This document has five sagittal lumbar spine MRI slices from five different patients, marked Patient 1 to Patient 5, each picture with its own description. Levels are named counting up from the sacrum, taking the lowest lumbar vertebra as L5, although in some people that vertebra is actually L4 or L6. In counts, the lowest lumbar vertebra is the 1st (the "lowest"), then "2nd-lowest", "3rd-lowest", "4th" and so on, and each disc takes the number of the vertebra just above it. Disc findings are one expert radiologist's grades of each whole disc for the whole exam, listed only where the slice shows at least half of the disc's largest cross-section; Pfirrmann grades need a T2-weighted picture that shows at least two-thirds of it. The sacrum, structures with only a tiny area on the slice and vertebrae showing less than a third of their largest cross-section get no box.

Patient 1 of 5:
MRI lumbar spine (T2-weighted), sagittal plane 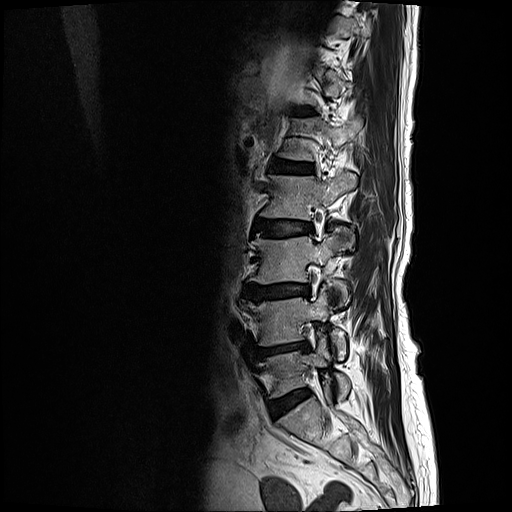 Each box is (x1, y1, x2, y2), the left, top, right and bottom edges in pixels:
L4 vertebra: (243, 286, 346, 360) | disc L1/L2: (274, 159, 313, 172) | T12/L1: (291, 108, 312, 114) | L5 vertebra: (257, 336, 350, 397) | L3: (248, 230, 350, 305) | L2 vertebra: (259, 172, 357, 220) | L5/S1: (270, 389, 310, 418) | L2/L3: (257, 218, 313, 236) | L1 vertebra: (279, 118, 362, 160) | disc L3/L4: (244, 284, 310, 299) | L4/L5: (249, 342, 310, 360)

Radiological gradings:
- L3/L4: Pfirrmann grade 4, upper-endplate change, lower-endplate change, disc narrowing, disc bulging, Modic type II
- L1/L2: Modic type II, lower-endplate change, upper-endplate change
- L4/L5: disc narrowing, upper-endplate change, lower-endplate change, disc bulging, Modic type II
- L5/S1: disc bulging
- L2/L3: Pfirrmann grade 3, lower-endplate change, upper-endplate change, Modic type II, disc bulging

Patient 2 of 5:
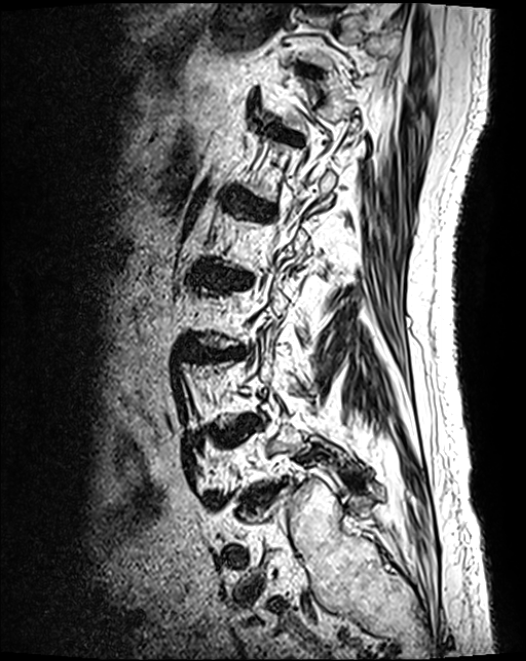
Image 526x661. Sex M. Slice 93/124. T2 SPACE (3D) sagittal MRI of the lumbar spine.

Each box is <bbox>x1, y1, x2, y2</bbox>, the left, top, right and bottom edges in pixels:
L4/L5 at <bbox>229, 423, 246, 434</bbox>, L3/L4 at <bbox>201, 349, 232, 359</bbox>, T12/L1 at <bbox>280, 133, 297, 140</bbox>.

Patient 3 of 5:
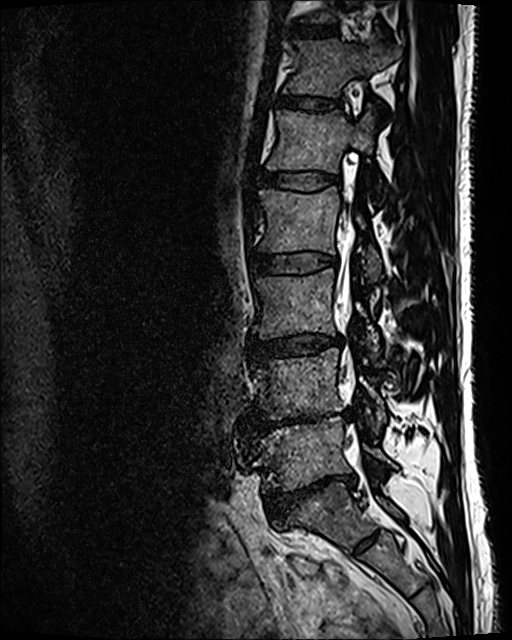 MRI lumbar spine (T2 SPACE (3D)), sagittal plane, Patient sex: M, Slice 72 of 120
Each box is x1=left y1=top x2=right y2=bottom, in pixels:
Structures:
- L4 vertebra = x1=253 y1=348 x2=386 y2=432
- L2/L3 = x1=252 y1=253 x2=336 y2=274
- disc T12/L1 = x1=279 y1=95 x2=340 y2=110
- L5/S1 = x1=266 y1=474 x2=355 y2=521
- L3 = x1=253 y1=269 x2=379 y2=351
- L5 = x1=260 y1=418 x2=395 y2=493
- T11/T12 = x1=294 y1=27 x2=339 y2=39
- L1 = x1=267 y1=110 x2=377 y2=173
- disc L3/L4 = x1=250 y1=335 x2=341 y2=359
- spinal canal = x1=336 y1=201 x2=353 y2=367
- disc L1/L2 = x1=260 y1=171 x2=339 y2=190
- disc L4/L5 = x1=251 y1=413 x2=332 y2=428
- L2 vertebra = x1=259 y1=187 x2=380 y2=280
- T12 = x1=284 y1=40 x2=397 y2=96

Expert MSK radiologist gradings (per disc):
- L1/L2: Pfirrmann grade 2
- T12/L1: Pfirrmann grade 2
- L3/L4: Pfirrmann grade 3, disc bulging, disc narrowing
- L2/L3: Pfirrmann grade 2
- L5/S1: Pfirrmann grade 5, spondylolisthesis, disc narrowing, lower-endplate change, disc bulging
- T11/T12: no herniation, bulging, narrowing, spondylolisthesis, endplate or Modic change recorded

Patient 4 of 5:
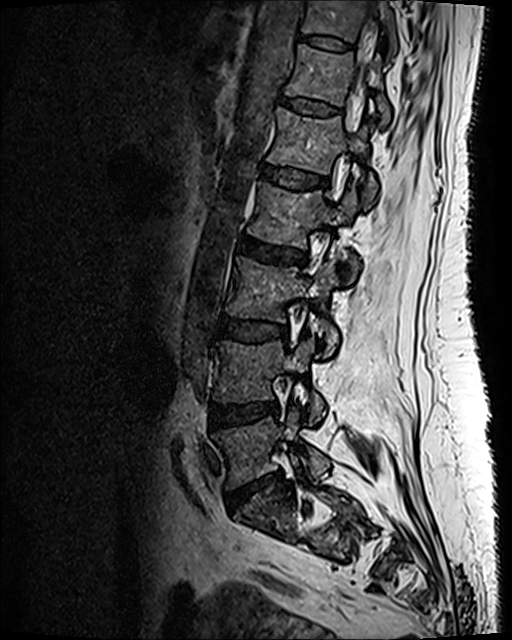 Slice 47/120; Patient sex: F; Lumbar spine MR, T2 SPACE (3D), sagittal
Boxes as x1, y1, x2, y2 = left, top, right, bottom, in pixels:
Structures:
- 5th disc: 260, 166, 328, 189
- 7th vertebra: 300, 0, 397, 60
- 2nd-lowest disc: 211, 401, 278, 427
- 5th vertebra: 267, 108, 377, 203
- 6th vertebra: 286, 44, 389, 126
- 3rd-lowest vertebra: 226, 257, 338, 354
- 4th vertebra: 247, 182, 359, 278
- 3rd-lowest disc: 220, 318, 285, 341
- 7th disc: 300, 35, 351, 52
- lowest vertebra: 212, 409, 329, 487
- 2nd-lowest vertebra: 214, 337, 323, 423
- 4th disc: 238, 236, 305, 264
- lowest disc: 227, 474, 278, 509
- 6th disc: 278, 96, 337, 115

Expert MSK radiologist gradings (per disc):
• 4th disc: Pfirrmann grade 3, disc bulging
• 2nd-lowest disc: disc bulging
• 5th disc: Pfirrmann grade 2
• 6th disc: Pfirrmann grade 2
• 7th disc: Pfirrmann grade 2
• 3rd-lowest disc: no spondylolisthesis, narrowing, bulging, herniation, Modic or endplate change recorded

Patient 5 of 5:
Patient sex: M, Scanner: SIEMENS Avanto_fit (1.5T), Image 512x640, Sagittal T2 SPACE (3D) lumbar spine MRI

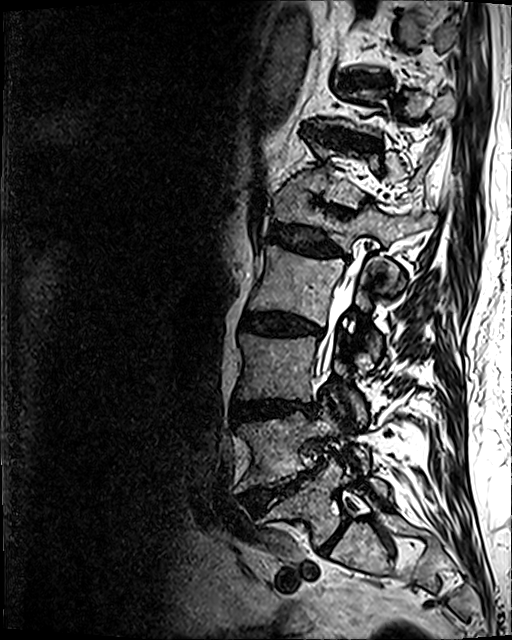
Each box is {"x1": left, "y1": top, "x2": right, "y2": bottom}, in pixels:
T12 vertebra = {"x1": 294, "y1": 139, "x2": 436, "y2": 208} | T12/L1 = {"x1": 316, "y1": 201, "x2": 351, "y2": 217} | intervertebral disc T10/T11 = {"x1": 343, "y1": 75, "x2": 390, "y2": 84} | L4/L5 = {"x1": 245, "y1": 469, "x2": 315, "y2": 513} | L3 vertebra = {"x1": 236, "y1": 333, "x2": 366, "y2": 424} | L4 vertebra = {"x1": 237, "y1": 408, "x2": 368, "y2": 488} | intervertebral disc L1/L2 = {"x1": 268, "y1": 223, "x2": 344, "y2": 256} | L5/S1 = {"x1": 318, "y1": 516, "x2": 349, "y2": 554} | L1 = {"x1": 272, "y1": 182, "x2": 435, "y2": 251} | L2 vertebra = {"x1": 249, "y1": 244, "x2": 399, "y2": 371} | spinal canal = {"x1": 314, "y1": 263, "x2": 358, "y2": 376} | intervertebral disc T11/T12 = {"x1": 306, "y1": 127, "x2": 380, "y2": 149} | L5 = {"x1": 269, "y1": 459, "x2": 387, "y2": 545} | intervertebral disc L3/L4 = {"x1": 233, "y1": 401, "x2": 315, "y2": 420} | intervertebral disc L2/L3 = {"x1": 241, "y1": 312, "x2": 322, "y2": 336}

Degenerative findings by level:
• L2/L3: Pfirrmann grade 4, disc bulging, disc narrowing, upper-endplate change, lower-endplate change, Modic type II
• L3/L4: Pfirrmann grade 4, lower-endplate change, upper-endplate change, disc narrowing, disc bulging
• L4/L5: Pfirrmann grade 5, lower-endplate change, disc narrowing, disc herniation, Modic type II, upper-endplate change, disc bulging
• L1/L2: Pfirrmann grade 4, lower-endplate change, upper-endplate change, disc bulging, disc narrowing
• T11/T12: Pfirrmann grade 4, disc bulging, lower-endplate change, upper-endplate change, disc narrowing